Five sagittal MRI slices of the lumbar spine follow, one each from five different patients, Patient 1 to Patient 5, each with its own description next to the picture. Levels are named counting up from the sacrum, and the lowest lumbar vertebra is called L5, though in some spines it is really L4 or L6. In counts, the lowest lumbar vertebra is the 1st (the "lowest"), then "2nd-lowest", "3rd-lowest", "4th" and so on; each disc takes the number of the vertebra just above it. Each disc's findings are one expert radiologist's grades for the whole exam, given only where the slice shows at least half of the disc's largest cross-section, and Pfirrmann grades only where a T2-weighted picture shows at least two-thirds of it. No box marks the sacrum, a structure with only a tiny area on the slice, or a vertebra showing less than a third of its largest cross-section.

Patient 1 of 5:
Slice 22/31. Slice spacing 3.3 mm. Sex F. T2-weighted sagittal MRI of the lumbar spine.
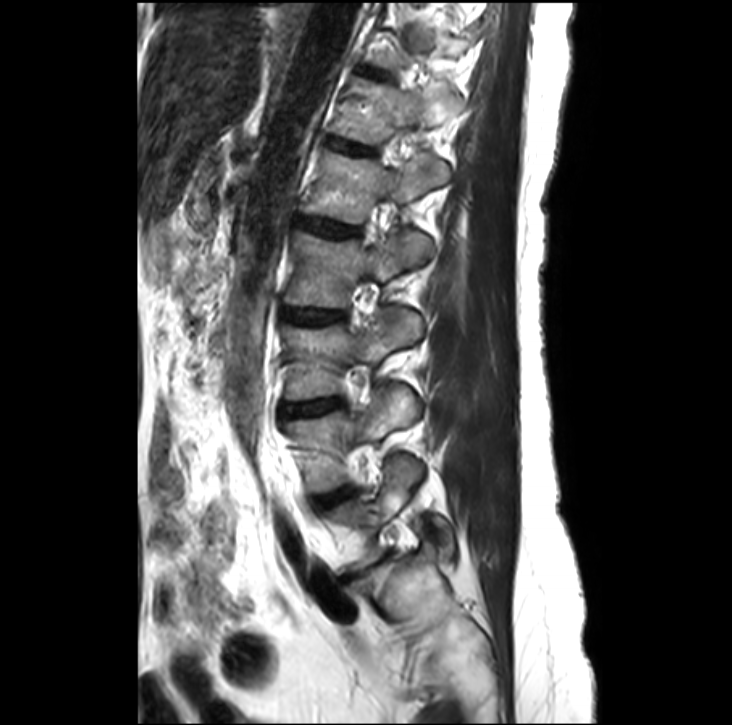
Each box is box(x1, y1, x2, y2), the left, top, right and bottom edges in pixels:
L1/L2 at box(298, 216, 357, 236); L5 at box(329, 456, 453, 572); T12/L1 at box(327, 137, 373, 154); L1 at box(301, 151, 449, 223); L2 at box(285, 231, 432, 309); intervertebral disc L4/L5 at box(316, 488, 351, 506); L5/S1 at box(341, 550, 393, 582); L3 at box(282, 308, 421, 400); intervertebral disc T11/T12 at box(364, 69, 387, 76); intervertebral disc L3/L4 at box(282, 399, 342, 416); L4 vertebra at box(286, 387, 417, 492); T12 vertebra at box(329, 79, 462, 144); intervertebral disc L2/L3 at box(282, 308, 342, 324).

Radiological gradings:
  L3/L4: disc bulging
  L1/L2: Pfirrmann grade 2
  T12/L1, L2/L3: no herniation, bulging, narrowing, spondylolisthesis, endplate or Modic change recorded

Patient 2 of 5:
MRI lumbar spine (T2-weighted), sagittal plane, Slice 14 of 27
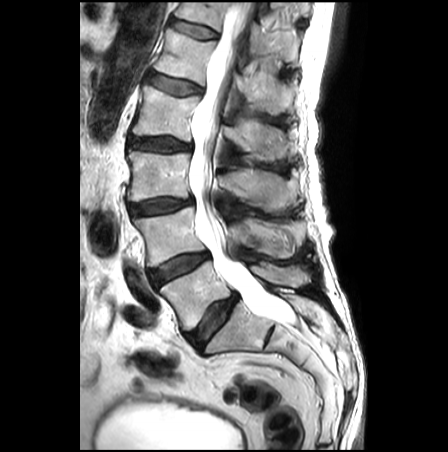 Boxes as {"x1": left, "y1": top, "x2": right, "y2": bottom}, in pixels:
2nd-lowest vertebra at {"x1": 133, "y1": 207, "x2": 302, "y2": 266}, 3rd-lowest disc at {"x1": 129, "y1": 198, "x2": 194, "y2": 215}, 5th disc at {"x1": 147, "y1": 71, "x2": 201, "y2": 95}, thecal sac / spinal canal at {"x1": 189, "y1": 2, "x2": 293, "y2": 323}, 4th disc at {"x1": 127, "y1": 137, "x2": 190, "y2": 153}, 5th vertebra at {"x1": 154, "y1": 28, "x2": 295, "y2": 114}, 4th vertebra at {"x1": 132, "y1": 85, "x2": 293, "y2": 160}, 3rd-lowest vertebra at {"x1": 128, "y1": 151, "x2": 297, "y2": 210}, 6th disc at {"x1": 170, "y1": 18, "x2": 217, "y2": 38}, lowest vertebra at {"x1": 160, "y1": 261, "x2": 304, "y2": 330}, 2nd-lowest disc at {"x1": 150, "y1": 252, "x2": 208, "y2": 286}, 6th vertebra at {"x1": 175, "y1": 2, "x2": 300, "y2": 65}, lowest disc at {"x1": 187, "y1": 294, "x2": 238, "y2": 350}.

Degenerative findings by level:
  6th disc: Pfirrmann grade 1
  2nd-lowest disc: Pfirrmann grade 3, disc bulging
  5th disc: Pfirrmann grade 2, upper-endplate change, lower-endplate change, Modic type II, disc bulging
  lowest disc: Pfirrmann grade 3, disc bulging
  3rd-lowest disc: Pfirrmann grade 3, disc bulging, disc narrowing
  4th disc: Pfirrmann grade 3, disc bulging

Patient 3 of 5:
Image 512x640. Lumbar spine MR, T2 SPACE (3D), sagittal. 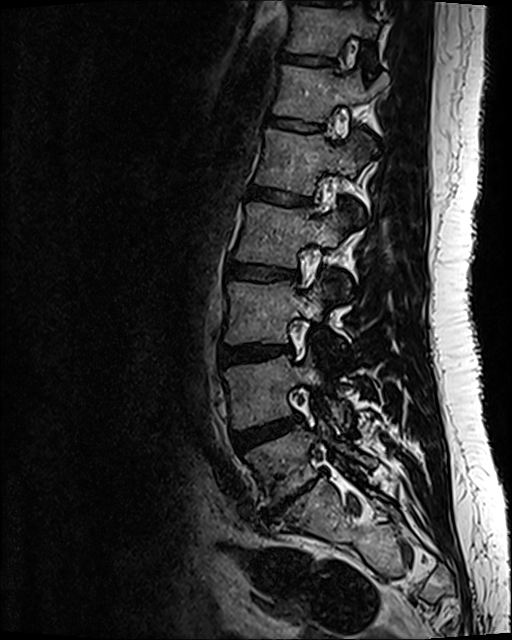 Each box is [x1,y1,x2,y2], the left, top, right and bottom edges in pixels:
T12: [274,66,385,120].
L4 vertebra: [226,352,344,427].
L2/L3: [228,260,298,280].
L5/S1: [262,477,317,522].
Intervertebral disc T11/T12: [283,55,332,65].
L5 vertebra: [246,422,376,505].
T12/L1: [268,116,320,131].
T11: [289,6,377,55].
L1: [256,130,375,195].
Intervertebral disc L4/L5: [233,415,301,450].
Intervertebral disc L3/L4: [221,346,292,365].
L3: [226,279,346,343].
Intervertebral disc L1/L2: [248,189,309,206].
L2: [237,203,349,267].

Per-level radiological findings:
  L4/L5: Pfirrmann grade 3, disc bulging
  T12/L1: Pfirrmann grade 2
  L3/L4: Pfirrmann grade 2, disc bulging
  L2/L3: Pfirrmann grade 2
  L5/S1: upper-endplate change, disc bulging, disc narrowing, Modic type III, disc herniation, lower-endplate change
  L1/L2: Pfirrmann grade 2

Patient 4 of 5:
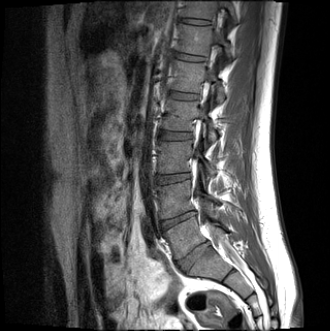

Lumbar spine MR, T1-weighted, sagittal, Sex M
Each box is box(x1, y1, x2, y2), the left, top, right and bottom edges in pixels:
L2 (4th vertebra) at box(162, 99, 216, 142); L2/L3 (4th disc) at box(160, 131, 191, 139); L5 (lowest vertebra) at box(164, 217, 227, 258); L1 (5th vertebra) at box(171, 60, 224, 103); disc T12/L1 (6th disc) at box(174, 52, 202, 61); disc L5/S1 (lowest disc) at box(178, 242, 209, 270); T11/T12 (7th disc) at box(182, 19, 209, 24); L3 (3rd-lowest vertebra) at box(158, 141, 215, 177); disc L1/L2 (5th disc) at box(169, 91, 196, 99); spinal canal at box(195, 191, 222, 242); T11 (7th vertebra) at box(182, 0, 236, 24); disc L3/L4 (3rd-lowest disc) at box(157, 173, 189, 184); L4 (2nd-lowest vertebra) at box(158, 180, 217, 218); L4/L5 (2nd-lowest disc) at box(161, 211, 196, 230); T12 (6th vertebra) at box(177, 24, 230, 60).

Expert MSK radiologist gradings (per disc):
  L4/L5 (2nd-lowest disc): Modic type II, disc narrowing, upper-endplate change, disc herniation, lower-endplate change
  L5/S1 (lowest disc): disc bulging
  T11/T12 (7th disc), L1/L2 (5th disc), L3/L4 (3rd-lowest disc), L2/L3 (4th disc), T12/L1 (6th disc): no herniation, bulging, narrowing, spondylolisthesis, endplate or Modic change recorded

Patient 5 of 5:
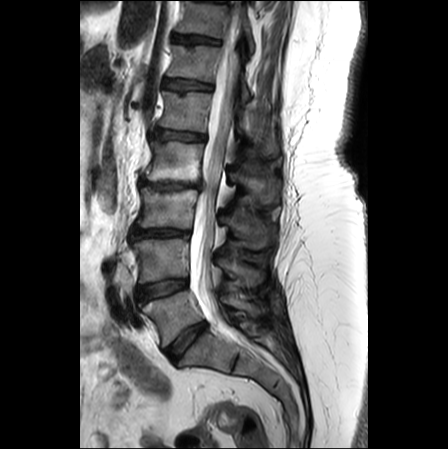 448x449 px | T2-weighted sagittal MRI of the lumbar spine | Slice 12/25
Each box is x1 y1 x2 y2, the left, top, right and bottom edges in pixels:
Lowest vertebra at 142 290 258 346.
Lowest disc at 166 322 206 362.
3rd-lowest vertebra at 137 186 269 248.
2nd-lowest vertebra at 131 239 263 286.
5th vertebra at 159 92 250 145.
6th disc at 163 79 211 89.
5th disc at 152 128 205 140.
6th vertebra at 168 45 249 101.
2nd-lowest disc at 137 279 187 301.
7th disc at 173 34 219 43.
4th disc at 140 177 200 188.
3rd-lowest disc at 131 226 190 239.
7th vertebra at 176 2 254 46.
4th vertebra at 146 141 277 203.
Spinal canal at 190 18 240 323.

Radiological gradings:
• lowest disc: Pfirrmann grade 2, disc bulging
• 5th disc: Pfirrmann grade 2, disc bulging
• 2nd-lowest disc: Pfirrmann grade 2, upper-endplate change, lower-endplate change, disc bulging, Modic type II
• 3rd-lowest disc: Pfirrmann grade 4, lower-endplate change, upper-endplate change, disc bulging, disc narrowing
• 6th disc: Pfirrmann grade 2, upper-endplate change
• 7th disc: Pfirrmann grade 3, upper-endplate change
• 4th disc: Pfirrmann grade 5, disc narrowing, upper-endplate change, Modic type II, disc herniation, lower-endplate change